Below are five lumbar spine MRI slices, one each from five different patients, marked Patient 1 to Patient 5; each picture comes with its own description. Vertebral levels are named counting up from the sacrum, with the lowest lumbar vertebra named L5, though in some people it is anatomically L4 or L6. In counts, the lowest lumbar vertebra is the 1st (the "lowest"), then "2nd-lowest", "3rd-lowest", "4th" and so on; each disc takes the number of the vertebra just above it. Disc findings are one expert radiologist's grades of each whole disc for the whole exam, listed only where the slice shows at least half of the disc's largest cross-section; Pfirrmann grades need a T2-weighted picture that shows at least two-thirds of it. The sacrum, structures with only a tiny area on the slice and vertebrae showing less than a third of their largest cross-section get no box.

Patient 1 of 5:
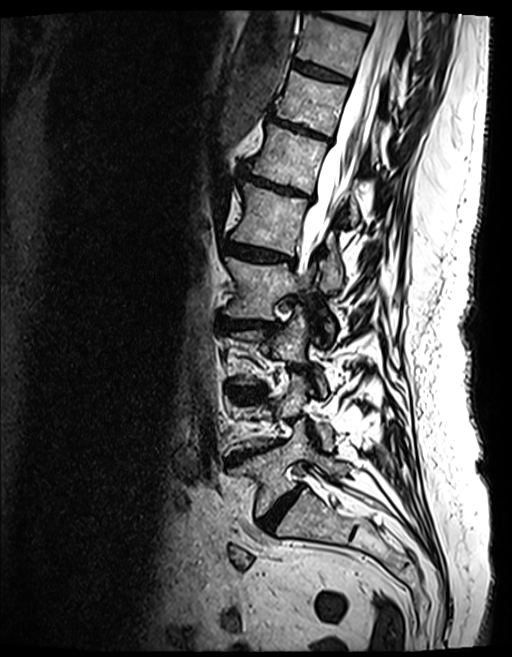

Lumbar spine MR, T2 SPACE (3D), sagittal.

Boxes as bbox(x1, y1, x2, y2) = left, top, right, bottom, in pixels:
5th vertebra: bbox(232, 182, 342, 289).
7th disc: bbox(269, 114, 331, 142).
6th disc: bbox(240, 167, 309, 197).
8th vertebra: bbox(297, 14, 398, 99).
4th disc: bbox(220, 317, 277, 330).
2nd-lowest disc: bbox(228, 441, 281, 463).
6th vertebra: bbox(246, 125, 358, 224).
7th vertebra: bbox(276, 72, 379, 163).
3rd-lowest disc: bbox(230, 387, 264, 395).
3rd-lowest vertebra: bbox(231, 312, 325, 397).
Lowest vertebra: bbox(231, 422, 347, 517).
9th disc: bbox(308, 1, 367, 29).
Spinal canal: bbox(296, 9, 404, 278).
9th vertebra: bbox(328, 9, 416, 50).
4th vertebra: bbox(224, 256, 333, 342).
Lowest disc: bbox(261, 487, 302, 531).
8th disc: bbox(293, 60, 349, 83).
5th disc: bbox(227, 242, 288, 261).

Expert MSK radiologist gradings (per disc):
- 5th disc: Pfirrmann grade 4, lower-endplate change, disc narrowing, Modic type II, disc bulging, upper-endplate change
- 9th disc: Pfirrmann grade 4, lower-endplate change, disc bulging, Modic type II, upper-endplate change
- 4th disc: Pfirrmann grade 4, disc narrowing, lower-endplate change, disc bulging, Modic type II, upper-endplate change
- 6th disc: Pfirrmann grade 4, disc bulging, Modic type II, lower-endplate change, upper-endplate change, disc narrowing
- 8th disc: Pfirrmann grade 4, upper-endplate change, Modic type II, lower-endplate change
- 7th disc: Pfirrmann grade 5, Modic type II, upper-endplate change, disc bulging, lower-endplate change, disc narrowing
- lowest disc: disc narrowing, disc bulging

Patient 2 of 5:
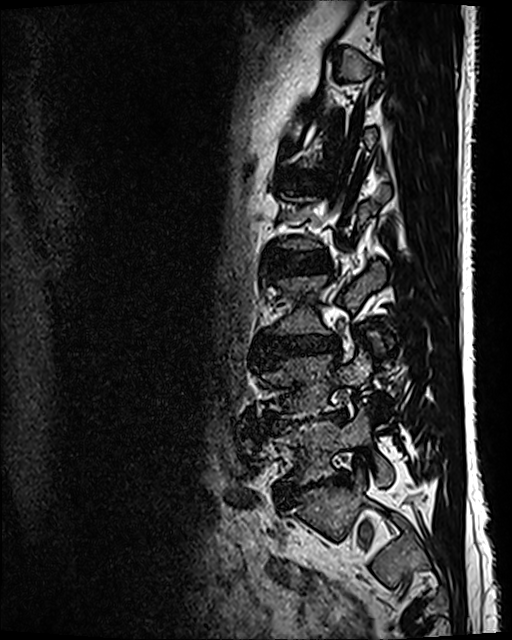 Sex M; MRI lumbar spine (T2 SPACE (3D)), sagittal plane
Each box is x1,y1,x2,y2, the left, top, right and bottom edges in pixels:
Intervertebral disc L4/L5 at 270,411,344,426; intervertebral disc L1/L2 at 282,178,295,187; L4 vertebra at 264,351,371,419; intervertebral disc L2/L3 at 272,253,329,273; L5 at 268,407,392,484; L5/S1 at 278,473,346,501; L3/L4 at 263,335,335,355.

Per-level radiological findings:
- L5/S1: lower-endplate change, disc narrowing, spondylolisthesis, disc bulging
- L3/L4: Pfirrmann grade 3, disc bulging, disc narrowing
- L2/L3: no spondylolisthesis, narrowing, bulging, herniation, Modic or endplate change recorded

Patient 3 of 5:
MRI lumbar spine (T2 SPACE (3D)), sagittal plane, Patient sex: F
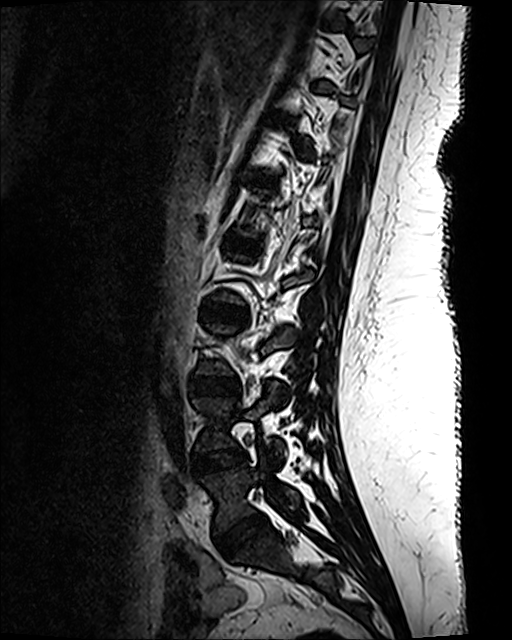

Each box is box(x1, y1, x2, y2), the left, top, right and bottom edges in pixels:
IVD L4/L5 = box(195, 448, 246, 473).
L5/S1 = box(215, 513, 266, 558).
L3/L4 = box(191, 376, 240, 395).
IVD L2/L3 = box(202, 305, 246, 322).
IVD T11/T12 = box(272, 115, 288, 123).
IVD T12/L1 = box(256, 177, 274, 182).
L1/L2 = box(225, 236, 250, 250).
L4 vertebra = box(193, 382, 284, 461).
L5 = box(201, 462, 301, 533).

Degenerative findings by level:
  L4/L5, L3/L4, L2/L3, L5/S1: no spondylolisthesis, narrowing, bulging, herniation, Modic or endplate change recorded

Patient 4 of 5:
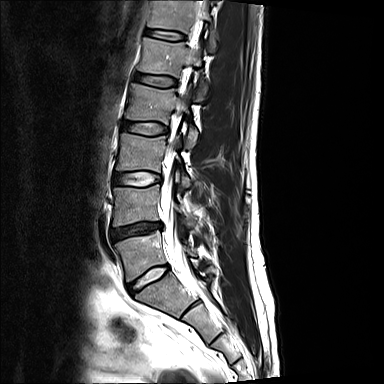
Sagittal slice index 10; MRI lumbar spine (T2-weighted), sagittal plane

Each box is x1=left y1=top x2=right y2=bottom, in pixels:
5th disc: x1=133 y1=72 x2=177 y2=86.
6th vertebra: x1=147 y1=0 x2=216 y2=48.
5th vertebra: x1=138 y1=37 x2=207 y2=99.
3rd-lowest disc: x1=113 y1=172 x2=160 y2=186.
Lowest vertebra: x1=115 y1=230 x2=196 y2=281.
3rd-lowest vertebra: x1=116 y1=133 x2=190 y2=187.
Lowest disc: x1=127 y1=265 x2=168 y2=293.
2nd-lowest vertebra: x1=113 y1=185 x2=193 y2=226.
2nd-lowest disc: x1=109 y1=223 x2=162 y2=240.
Spinal canal: x1=160 y1=0 x2=203 y2=273.
6th disc: x1=145 y1=29 x2=186 y2=40.
4th disc: x1=122 y1=121 x2=167 y2=135.
4th vertebra: x1=125 y1=83 x2=197 y2=147.

Radiological gradings:
  2nd-lowest disc: Pfirrmann grade 4, disc narrowing, disc herniation
  lowest disc: Pfirrmann grade 2, disc bulging
  4th disc: Pfirrmann grade 2
  5th disc: Pfirrmann grade 2
  6th disc: Pfirrmann grade 2
  3rd-lowest disc: Pfirrmann grade 2

Patient 5 of 5:
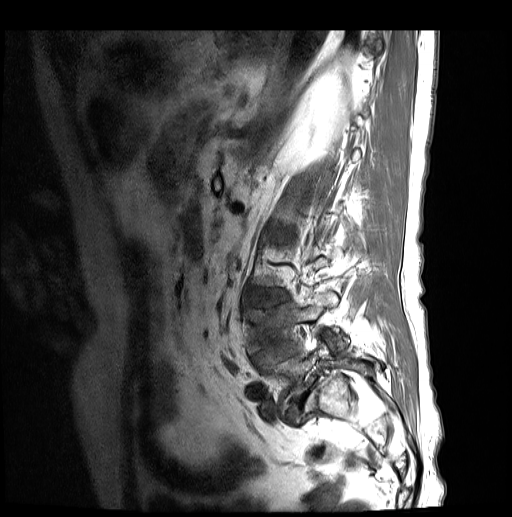
Lumbar spine MR, T1-weighted, sagittal
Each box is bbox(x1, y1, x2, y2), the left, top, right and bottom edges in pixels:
Intervertebral disc L5/S1 at bbox(285, 386, 314, 425); L4/L5 at bbox(252, 343, 299, 368); L5 vertebra at bbox(263, 343, 380, 409); L3/L4 at bbox(247, 290, 289, 307); L4 at bbox(248, 291, 340, 352).

Radiological gradings:
- L3/L4: lower-endplate change, upper-endplate change, disc bulging
- L5/S1: disc herniation, Modic type II, spondylolisthesis, disc narrowing
- L4/L5: upper-endplate change, lower-endplate change, disc narrowing, disc herniation, spondylolisthesis